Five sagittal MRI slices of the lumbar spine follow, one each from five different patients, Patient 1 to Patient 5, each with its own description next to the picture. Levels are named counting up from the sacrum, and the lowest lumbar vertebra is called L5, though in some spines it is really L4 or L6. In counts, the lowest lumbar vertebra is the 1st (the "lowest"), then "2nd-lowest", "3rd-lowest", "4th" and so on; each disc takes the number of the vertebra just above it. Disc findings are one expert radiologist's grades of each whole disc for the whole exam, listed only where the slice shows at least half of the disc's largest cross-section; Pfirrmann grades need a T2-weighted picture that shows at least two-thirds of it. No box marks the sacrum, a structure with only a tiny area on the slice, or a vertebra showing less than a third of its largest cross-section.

Patient 1 of 5:
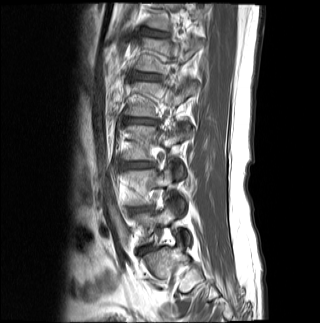

Field of view 260x263 mm | Slice 5 of 19 | Patient sex: M | MRI lumbar spine (T1-weighted), sagittal plane
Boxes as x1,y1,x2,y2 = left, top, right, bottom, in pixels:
3rd-lowest vertebra: 122,125,191,176
3rd-lowest disc: 121,162,152,168
lowest vertebra: 136,206,189,242
4th vertebra: 125,81,197,116
5th vertebra: 135,38,202,73
5th disc: 136,74,159,79
2nd-lowest vertebra: 125,168,183,207
6th disc: 146,31,166,36
4th disc: 126,118,156,124

Per-level radiological findings:
  4th disc: Modic type II, lower-endplate change, disc bulging, disc narrowing, upper-endplate change

Patient 2 of 5:
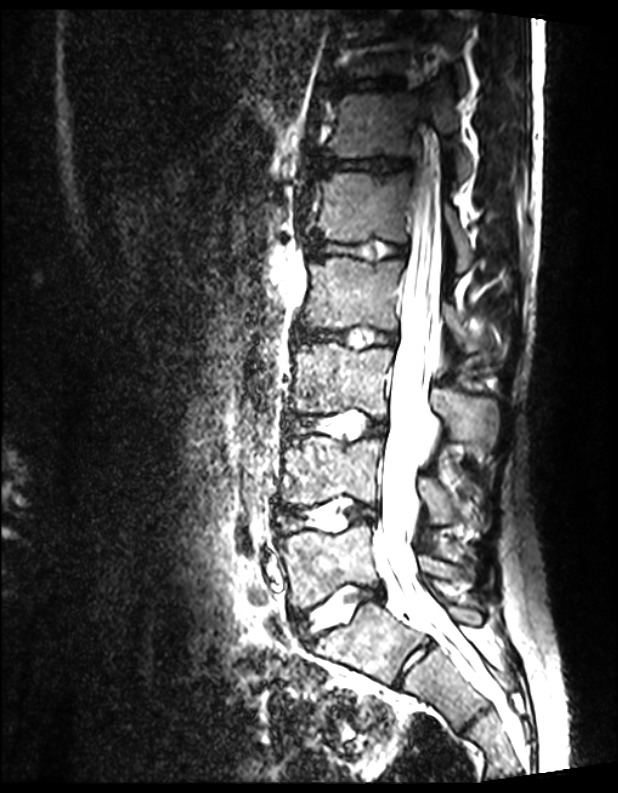 Sagittal T2 SPACE (3D) lumbar spine MRI

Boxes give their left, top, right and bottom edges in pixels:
7th disc at left=328, top=77, right=401, bottom=93; 2nd-lowest disc at left=277, top=498, right=376, bottom=531; 5th disc at left=309, top=236, right=406, bottom=260; 2nd-lowest vertebra at left=282, top=437, right=481, bottom=534; 6th disc at left=317, top=157, right=408, bottom=173; 4th disc at left=293, top=327, right=398, bottom=348; 6th vertebra at left=328, top=92, right=472, bottom=179; 4th vertebra at left=300, top=257, right=507, bottom=358; 5th vertebra at left=313, top=173, right=473, bottom=270; 3rd-lowest vertebra at left=292, top=342, right=497, bottom=453; lowest disc at left=294, top=585, right=382, bottom=641; 7th vertebra at left=350, top=11, right=467, bottom=91; lowest vertebra at left=277, top=521, right=469, bottom=609; 3rd-lowest disc at left=286, top=410, right=387, bottom=439; thecal sac / spinal canal at left=372, top=103, right=470, bottom=669.

Degenerative findings by level:
• 2nd-lowest disc: Pfirrmann grade 1
• lowest disc: Pfirrmann grade 1
• 5th disc: Pfirrmann grade 1
• 4th disc: Pfirrmann grade 1
• 6th disc: Pfirrmann grade 1
• 7th disc: Pfirrmann grade 1
• 3rd-lowest disc: Pfirrmann grade 1

Patient 3 of 5:
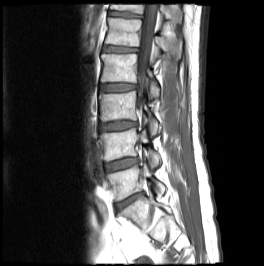 Patient sex: M, Slice 10 of 24, Lumbar spine MR, T1-weighted, sagittal
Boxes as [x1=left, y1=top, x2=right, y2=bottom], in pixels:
Segmented structures:
* L4 — [x1=100, y1=128, x2=160, y2=167]
* disc L1/L2 — [x1=103, y1=47, x2=136, y2=52]
* disc L4/L5 — [x1=105, y1=159, x2=137, y2=170]
* L5/S1 — [x1=116, y1=193, x2=140, y2=207]
* T12 vertebra — [x1=110, y1=4, x2=181, y2=22]
* L5 — [x1=107, y1=163, x2=165, y2=201]
* L3 — [x1=99, y1=91, x2=159, y2=135]
* T12/L1 — [x1=109, y1=11, x2=141, y2=17]
* L1 vertebra — [x1=105, y1=17, x2=166, y2=54]
* disc L3/L4 — [x1=100, y1=122, x2=136, y2=131]
* L2 — [x1=101, y1=54, x2=159, y2=98]
* thecal sac / spinal canal — [x1=137, y1=4, x2=157, y2=107]
* disc L2/L3 — [x1=100, y1=84, x2=135, y2=90]

Per-level radiological findings:
- L5/S1: disc narrowing, disc bulging, disc herniation, Modic type II
- L3/L4: disc bulging, upper-endplate change
- L4/L5: disc bulging
- L2/L3: Modic type II
- L1/L2: lower-endplate change, Modic type II, upper-endplate change
- T12/L1: upper-endplate change, lower-endplate change

Patient 4 of 5:
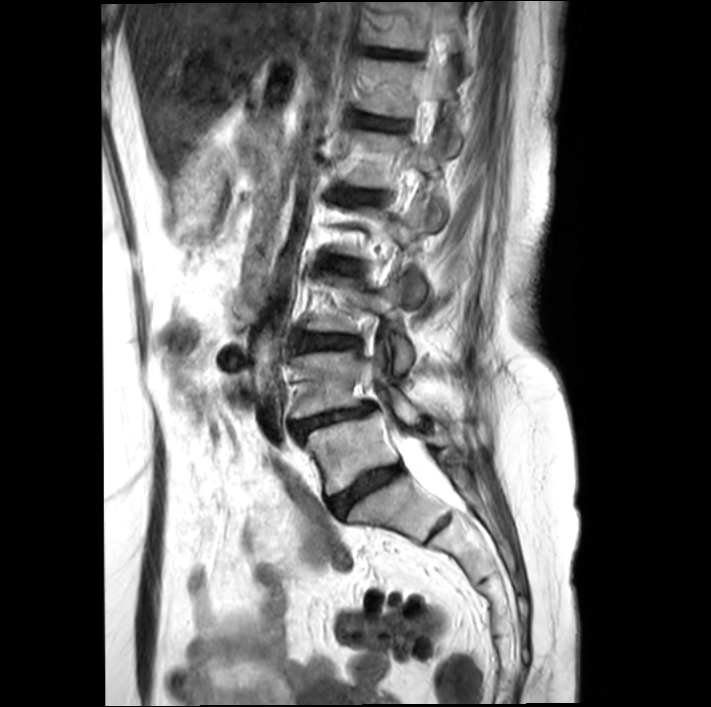 T2-weighted sagittal MRI of the lumbar spine | Sex F | Slice 9/20
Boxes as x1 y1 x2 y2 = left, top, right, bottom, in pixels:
7th vertebra at 368 2 476 69, 3rd-lowest vertebra at 305 275 413 372, 6th disc at 360 115 407 131, 7th disc at 370 49 416 58, thecal sac / spinal canal at 397 435 453 504, 5th vertebra at 349 130 444 225, lowest vertebra at 305 410 450 494, 2nd-lowest disc at 293 403 373 439, 3rd-lowest disc at 294 333 357 351, lowest disc at 332 465 401 515, 2nd-lowest vertebra at 290 346 428 423, 4th disc at 324 257 359 274, 6th vertebra at 360 58 461 152, 5th disc at 345 191 380 203.

Degenerative findings by level:
  6th disc: upper-endplate change, Modic type II, lower-endplate change
  3rd-lowest disc: lower-endplate change, Modic type II, upper-endplate change, disc bulging
  2nd-lowest disc: Pfirrmann grade 4, lower-endplate change, Modic type II, disc bulging, spondylolisthesis, disc narrowing
  7th disc: disc bulging, upper-endplate change, lower-endplate change
  lowest disc: Pfirrmann grade 4, disc bulging, disc narrowing, lower-endplate change, Modic type II

Patient 5 of 5:
Slice spacing 3.4 mm, Sex F, Image 1092x1109, MRI lumbar spine (T1-weighted), sagittal plane
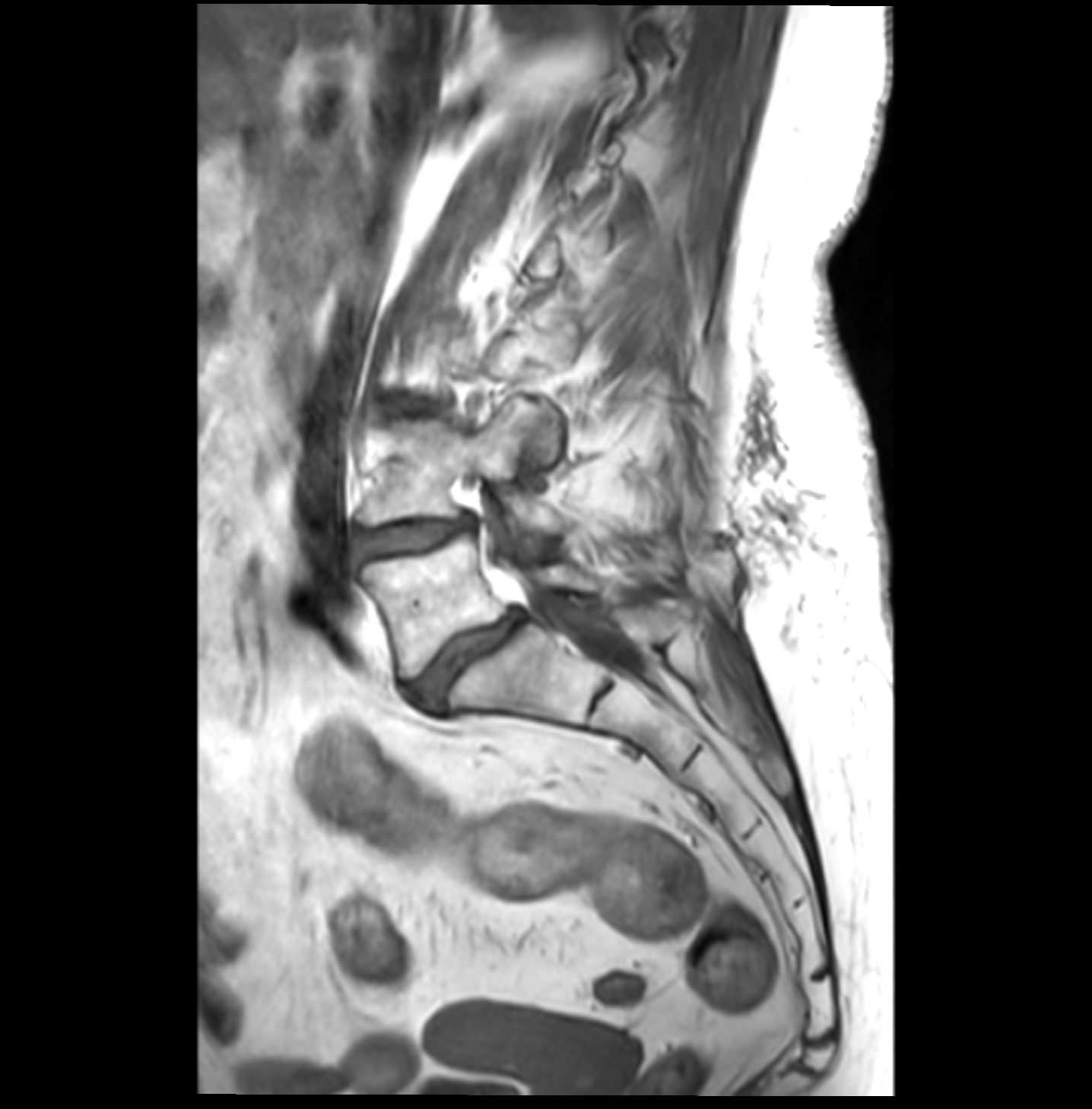

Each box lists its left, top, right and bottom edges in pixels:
Annotations:
- L5/S1: left=411, top=611, right=524, bottom=705
- L5 vertebra: left=364, top=532, right=597, bottom=675
- L4: left=362, top=398, right=563, bottom=540
- disc L4/L5: left=360, top=518, right=469, bottom=555
- thecal sac / spinal canal: left=529, top=579, right=662, bottom=686

Per-level radiological findings:
- L4/L5: disc narrowing, disc bulging, Modic type II
- L5/S1: spondylolisthesis, disc narrowing, disc bulging, Modic type II